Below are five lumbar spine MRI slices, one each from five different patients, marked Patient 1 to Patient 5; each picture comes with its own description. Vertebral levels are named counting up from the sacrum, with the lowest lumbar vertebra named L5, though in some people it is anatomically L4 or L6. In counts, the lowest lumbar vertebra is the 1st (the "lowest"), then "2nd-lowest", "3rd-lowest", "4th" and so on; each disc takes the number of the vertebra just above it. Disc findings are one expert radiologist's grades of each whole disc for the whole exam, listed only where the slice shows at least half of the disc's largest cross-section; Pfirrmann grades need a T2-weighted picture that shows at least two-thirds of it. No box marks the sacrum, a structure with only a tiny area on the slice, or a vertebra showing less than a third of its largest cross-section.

Patient 1 of 5:
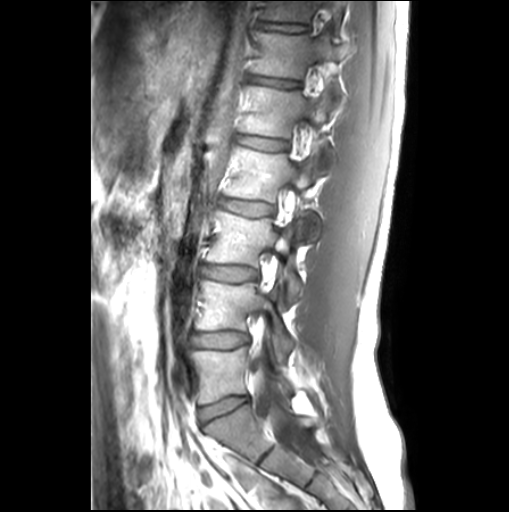 MRI lumbar spine (T1-weighted), sagittal plane

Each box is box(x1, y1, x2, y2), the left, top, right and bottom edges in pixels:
L4/L5 (2nd-lowest disc): box(194, 333, 247, 347)
IVD L5/S1 (lowest disc): box(198, 397, 248, 422)
IVD T11/T12 (7th disc): box(257, 21, 307, 32)
L2/L3 (4th disc): box(222, 199, 272, 215)
L1/L2 (5th disc): box(239, 137, 286, 149)
L1 (5th vertebra): box(240, 86, 336, 172)
L3/L4 (3rd-lowest disc): box(204, 265, 257, 280)
IVD T12/L1 (6th disc): box(251, 77, 298, 86)
L5 (lowest vertebra): box(192, 347, 291, 404)
L3 (3rd-lowest vertebra): box(207, 211, 303, 303)
T12 (6th vertebra): box(251, 30, 349, 88)
thecal sac / spinal canal: box(252, 356, 320, 462)
T11 (7th vertebra): box(262, 0, 341, 25)
L4 (2nd-lowest vertebra): box(196, 279, 292, 362)
L2 (4th vertebra): box(225, 147, 320, 241)

Per-level radiological findings:
• T12/L1 (6th disc): lower-endplate change, upper-endplate change
• L1/L2 (5th disc): Modic type II
• T11/T12 (7th disc): lower-endplate change, upper-endplate change
• L2/L3 (4th disc), L3/L4 (3rd-lowest disc), L4/L5 (2nd-lowest disc), L5/S1 (lowest disc): no Modic or endplate change, herniation, narrowing, bulging or spondylolisthesis recorded

Patient 2 of 5:
Scanner: Philips Healthcare Ingenia (3T). Sagittal T1-weighted lumbar spine MRI. 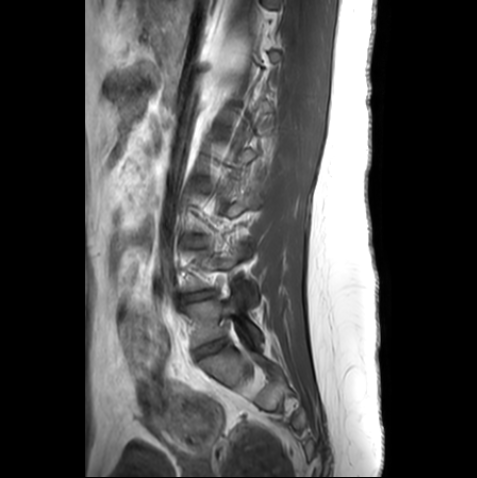
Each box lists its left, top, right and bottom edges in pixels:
2nd-lowest disc at left=181, top=290, right=216, bottom=301; lowest disc at left=196, top=339, right=226, bottom=357; 3rd-lowest disc at left=188, top=240, right=204, bottom=245; lowest vertebra at left=186, top=296, right=262, bottom=346.

Patient 3 of 5:
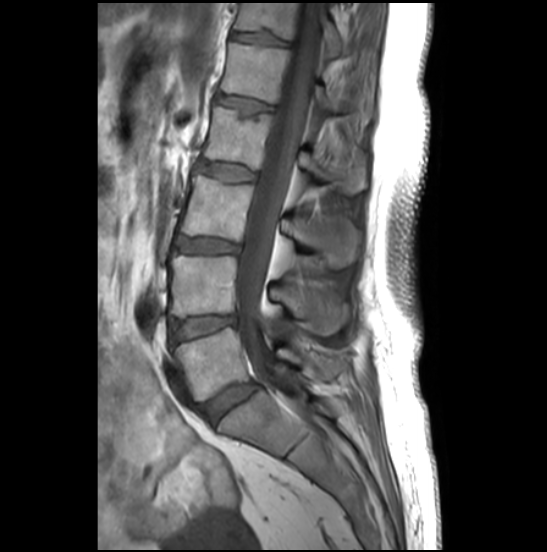 Slice 15 of 27; Field of view 280x282 mm; Lumbar spine MR, T1-weighted, sagittal
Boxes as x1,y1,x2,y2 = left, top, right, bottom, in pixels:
Lowest vertebra: 173,327,340,400.
Spinal canal: 236,3,321,370.
2nd-lowest disc: 170,316,234,342.
4th vertebra: 204,106,364,192.
5th vertebra: 220,43,372,122.
4th disc: 197,161,253,181.
2nd-lowest vertebra: 170,254,347,334.
5th disc: 216,94,271,113.
6th vertebra: 233,3,341,58.
3rd-lowest vertebra: 180,175,357,267.
3rd-lowest disc: 173,238,237,252.
6th disc: 231,33,285,45.
Lowest disc: 200,382,259,423.

Per-level radiological findings:
  lowest disc: disc bulging
  5th disc: upper-endplate change
  2nd-lowest disc: disc bulging
  3rd-lowest disc: disc bulging
  6th disc: upper-endplate change, lower-endplate change
  4th disc: no Modic or endplate change, herniation, narrowing, bulging or spondylolisthesis recorded

Patient 4 of 5:
Sagittal T2-weighted lumbar spine MRI
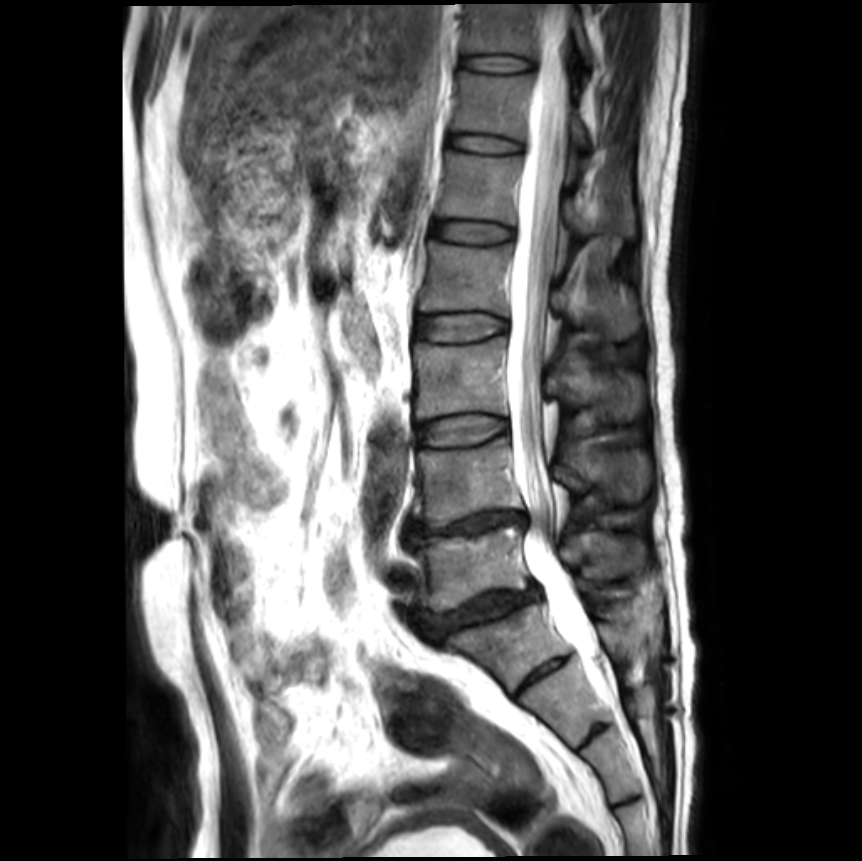
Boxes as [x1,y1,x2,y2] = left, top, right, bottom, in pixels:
Structures:
* T12/L1: [450,134,520,152]
* intervertebral disc L2/L3: [415,313,506,339]
* thecal sac / spinal canal: [506,4,615,706]
* L5: [408,525,644,610]
* L3: [412,336,642,421]
* L1/L2: [432,221,513,242]
* L3/L4: [415,413,506,444]
* T11 vertebra: [465,4,592,63]
* L1 vertebra: [438,151,634,235]
* L2 vertebra: [418,241,639,337]
* T12 vertebra: [454,70,589,147]
* L5/S1: [417,587,538,643]
* L4: [412,437,649,526]
* intervertebral disc L4/L5: [406,510,525,536]
* intervertebral disc T11/T12: [462,55,530,70]

Degenerative findings by level:
- L4/L5: Pfirrmann grade 5, Modic type II, disc narrowing, upper-endplate change, disc bulging, lower-endplate change
- L2/L3: Pfirrmann grade 1
- L3/L4: Pfirrmann grade 1
- L5/S1: Pfirrmann grade 4, lower-endplate change, disc narrowing, spondylolisthesis, upper-endplate change, disc bulging
- L1/L2: Pfirrmann grade 1
- T12/L1: Pfirrmann grade 1
- T11/T12: Pfirrmann grade 1

Patient 5 of 5:
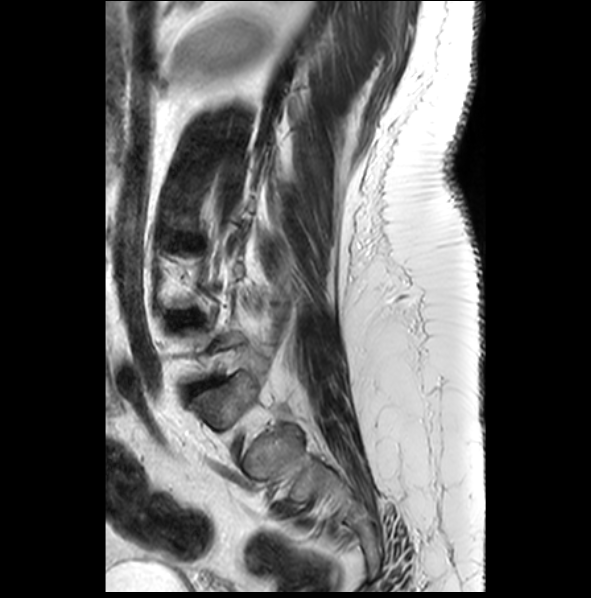 MRI lumbar spine (T2-weighted), sagittal plane | Sagittal slice index 5
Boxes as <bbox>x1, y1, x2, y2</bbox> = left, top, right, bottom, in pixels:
Segmented structures:
* lowest disc at <bbox>190, 380, 217, 390</bbox>
* 2nd-lowest disc at <bbox>174, 310, 198, 325</bbox>